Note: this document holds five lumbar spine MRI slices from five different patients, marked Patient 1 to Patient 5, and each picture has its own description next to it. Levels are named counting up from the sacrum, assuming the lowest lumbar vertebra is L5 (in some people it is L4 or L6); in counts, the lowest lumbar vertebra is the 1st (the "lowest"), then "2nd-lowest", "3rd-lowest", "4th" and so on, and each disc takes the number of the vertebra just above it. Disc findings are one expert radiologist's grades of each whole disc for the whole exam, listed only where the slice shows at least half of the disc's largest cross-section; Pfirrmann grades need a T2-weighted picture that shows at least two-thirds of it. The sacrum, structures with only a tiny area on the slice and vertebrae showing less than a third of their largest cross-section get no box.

Patient 1 of 5:
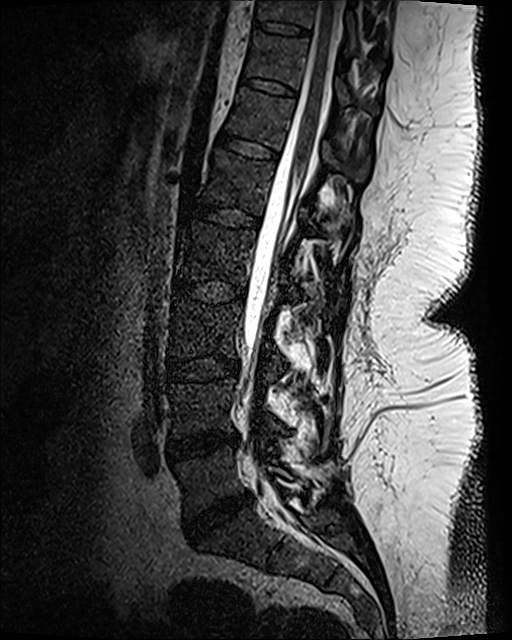

MRI lumbar spine (T2 SPACE (3D)), sagittal plane.
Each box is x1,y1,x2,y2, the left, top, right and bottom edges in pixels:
3rd-lowest disc: 168,356,238,383.
3rd-lowest vertebra: 171,300,282,380.
8th vertebra: 256,0,385,66.
5th vertebra: 201,148,317,233.
2nd-lowest vertebra: 171,379,287,437.
7th vertebra: 246,31,377,114.
5th disc: 179,201,260,229.
Spinal canal: 241,0,342,489.
8th disc: 254,20,311,36.
6th vertebra: 227,88,371,183.
4th disc: 172,278,246,302.
Lowest disc: 184,493,250,538.
Lowest vertebra: 175,449,290,514.
7th disc: 241,77,297,96.
2nd-lowest disc: 166,433,239,460.
6th disc: 215,129,278,160.
4th vertebra: 176,219,298,296.

Radiological gradings:
- lowest disc: Pfirrmann grade 4, disc narrowing, disc bulging
- 6th disc: Pfirrmann grade 1
- 5th disc: Pfirrmann grade 1
- 7th disc: Pfirrmann grade 1
- 3rd-lowest disc: Pfirrmann grade 1
- 2nd-lowest disc: Pfirrmann grade 3, disc bulging, disc narrowing
- 4th disc: Pfirrmann grade 1
- 8th disc: Pfirrmann grade 1

Patient 2 of 5:
MRI lumbar spine (T2-weighted), sagittal plane, Patient sex: M

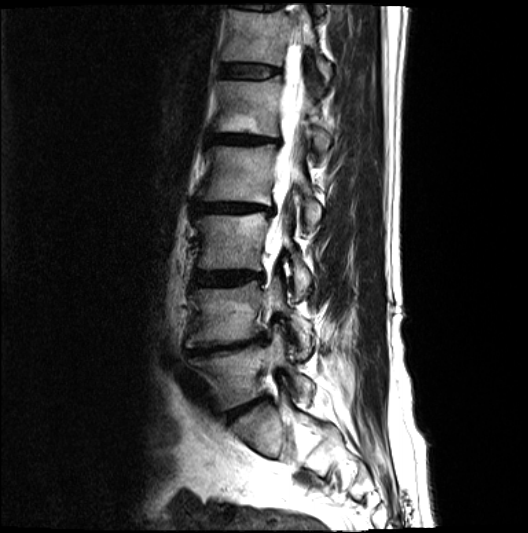

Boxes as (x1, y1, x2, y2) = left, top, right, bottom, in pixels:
Structures:
• 4th vertebra — (198, 145, 321, 231)
• 4th disc — (192, 203, 273, 214)
• lowest disc — (230, 402, 262, 420)
• 5th vertebra — (216, 77, 334, 155)
• 2nd-lowest vertebra — (186, 279, 311, 359)
• 3rd-lowest vertebra — (194, 214, 311, 299)
• 2nd-lowest disc — (191, 334, 263, 355)
• 6th vertebra — (223, 10, 330, 82)
• lowest vertebra — (188, 334, 314, 408)
• 5th disc — (213, 135, 281, 144)
• thecal sac / spinal canal — (272, 43, 301, 248)
• 3rd-lowest disc — (194, 272, 263, 286)
• 6th disc — (221, 65, 279, 78)

Per-level radiological findings:
  3rd-lowest disc: Pfirrmann grade 4, disc narrowing, Modic type II, disc bulging
  2nd-lowest disc: Pfirrmann grade 5, disc bulging, lower-endplate change, upper-endplate change, disc narrowing, Modic type II
  4th disc: Pfirrmann grade 5, Modic type II, upper-endplate change, disc narrowing, lower-endplate change, disc bulging
  5th disc: Pfirrmann grade 5, Modic type II, upper-endplate change, lower-endplate change, disc bulging, disc narrowing
  6th disc: Pfirrmann grade 3

Patient 3 of 5:
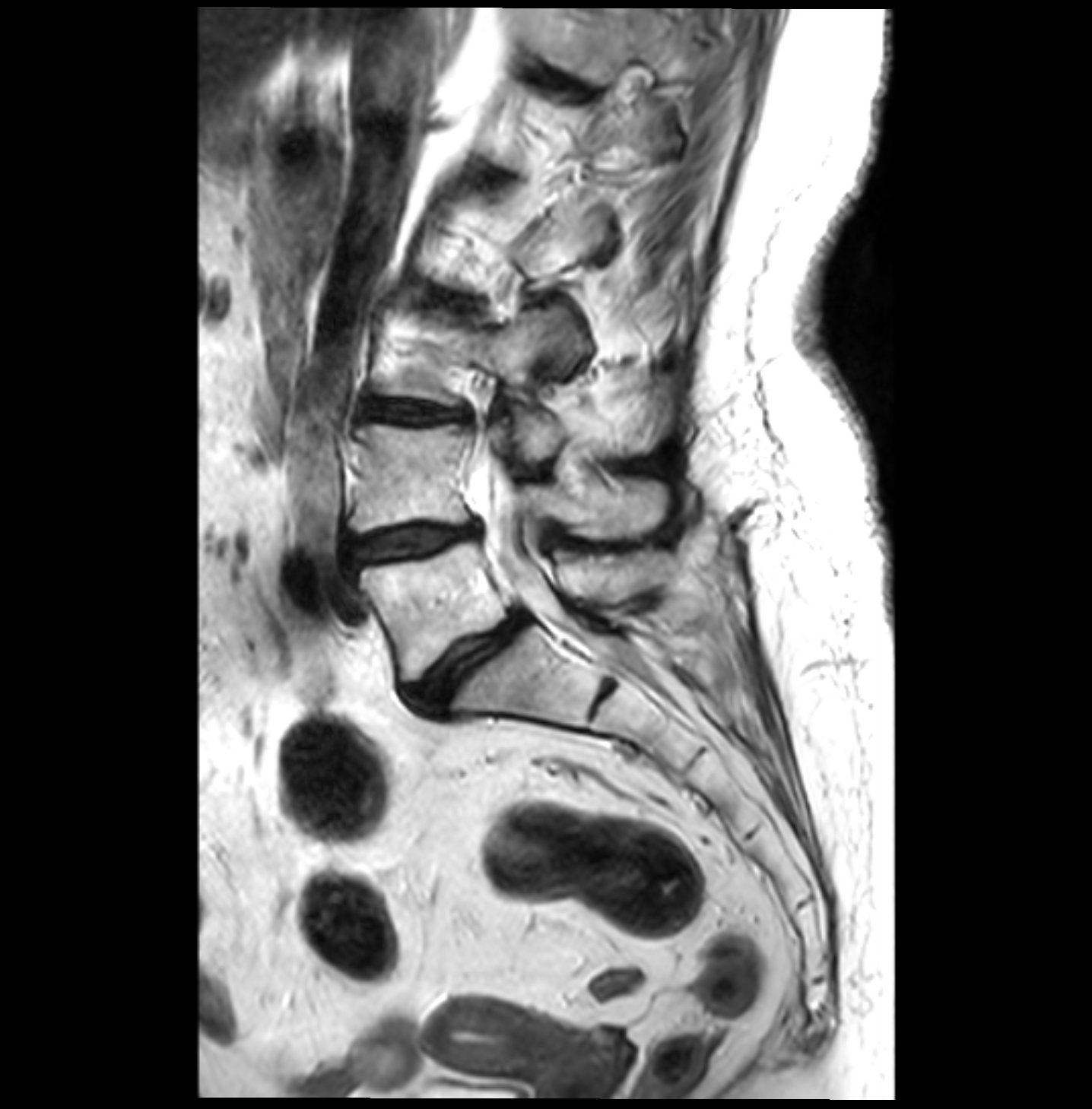
T2-weighted sagittal MRI of the lumbar spine. Slice 18/36. Sex F.

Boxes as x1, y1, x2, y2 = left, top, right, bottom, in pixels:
L5 vertebra: 360, 541, 677, 680
spinal canal: 474, 446, 656, 686
L4/L5: 346, 525, 478, 572
intervertebral disc L5/S1: 411, 611, 528, 712
L4: 352, 423, 671, 538
L3 vertebra: 385, 308, 638, 464
L3/L4: 366, 400, 471, 419

Per-level radiological findings:
- L3/L4: Modic type II, disc bulging, disc narrowing
- L4/L5: Pfirrmann grade 3, disc narrowing, disc bulging, Modic type II
- L5/S1: Pfirrmann grade 4, Modic type II, spondylolisthesis, disc narrowing, disc bulging

Patient 4 of 5:
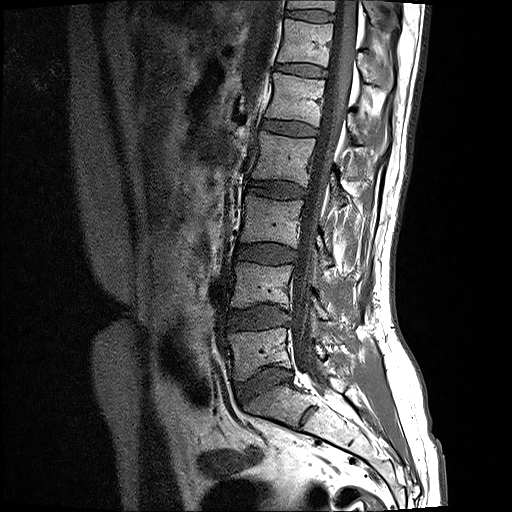 Image 512x512. Slice 9 of 17. T1-weighted sagittal MRI of the lumbar spine.

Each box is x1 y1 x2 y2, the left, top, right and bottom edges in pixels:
Disc T11/T12 (7th disc) at 286 10 334 21.
L4 (2nd-lowest vertebra) at 231 262 357 319.
Disc L2/L3 (4th disc) at 247 181 305 198.
L5 (lowest vertebra) at 227 327 325 380.
T12 (6th vertebra) at 277 19 393 89.
L1/L2 (5th disc) at 262 120 317 136.
Spinal canal at 291 0 359 396.
Disc T12/L1 (6th disc) at 276 64 326 77.
Disc L3/L4 (3rd-lowest disc) at 236 244 296 264.
Disc L4/L5 (2nd-lowest disc) at 227 305 289 329.
Disc L5/S1 (lowest disc) at 234 366 292 403.
T11 (7th vertebra) at 287 0 398 29.
L3 (3rd-lowest vertebra) at 240 192 332 265.
L1 (5th vertebra) at 266 73 387 151.
L2 (4th vertebra) at 252 131 343 206.

Expert MSK radiologist gradings (per disc):
  L4/L5 (2nd-lowest disc): disc bulging
  L5/S1 (lowest disc): disc bulging
  L3/L4 (3rd-lowest disc): disc bulging
  T12/L1 (6th disc), L2/L3 (4th disc), L1/L2 (5th disc), T11/T12 (7th disc): no Modic or endplate change, herniation, narrowing, bulging or spondylolisthesis recorded

Patient 5 of 5:
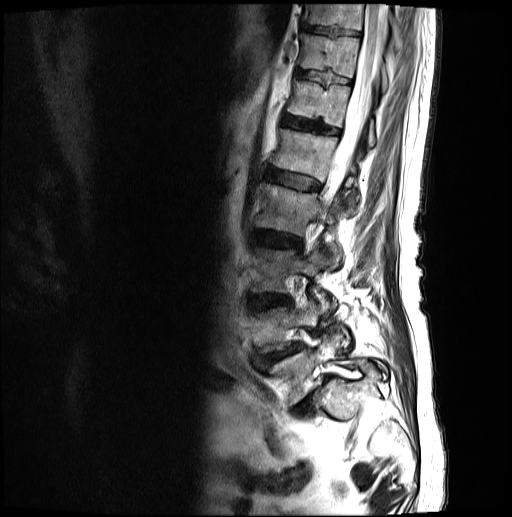 512x517 px. T2-weighted sagittal MRI of the lumbar spine.
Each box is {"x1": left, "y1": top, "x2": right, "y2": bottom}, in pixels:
L4/L5 (2nd-lowest disc) — {"x1": 256, "y1": 344, "x2": 302, "y2": 368}.
T12 (6th vertebra) — {"x1": 287, "y1": 82, "x2": 374, "y2": 146}.
L5 (lowest vertebra) — {"x1": 267, "y1": 335, "x2": 387, "y2": 405}.
L3 (3rd-lowest vertebra) — {"x1": 252, "y1": 247, "x2": 334, "y2": 311}.
T11 (7th vertebra) — {"x1": 299, "y1": 34, "x2": 387, "y2": 90}.
Intervertebral disc L1/L2 (5th disc) — {"x1": 267, "y1": 168, "x2": 319, "y2": 189}.
L4 (2nd-lowest vertebra) — {"x1": 254, "y1": 299, "x2": 321, "y2": 353}.
T10 (8th vertebra) — {"x1": 303, "y1": 4, "x2": 395, "y2": 36}.
L3/L4 (3rd-lowest disc) — {"x1": 247, "y1": 294, "x2": 289, "y2": 310}.
L1 (5th vertebra) — {"x1": 274, "y1": 130, "x2": 359, "y2": 213}.
Intervertebral disc L2/L3 (4th disc) — {"x1": 252, "y1": 230, "x2": 300, "y2": 248}.
L5/S1 (lowest disc) — {"x1": 294, "y1": 385, "x2": 324, "y2": 417}.
L2 (4th vertebra) — {"x1": 256, "y1": 184, "x2": 341, "y2": 266}.
Intervertebral disc T12/L1 (6th disc) — {"x1": 282, "y1": 116, "x2": 338, "y2": 134}.
Thecal sac / spinal canal — {"x1": 332, "y1": 3, "x2": 385, "y2": 187}.
Intervertebral disc T11/T12 (7th disc) — {"x1": 296, "y1": 70, "x2": 350, "y2": 84}.
Intervertebral disc T10/T11 (8th disc) — {"x1": 302, "y1": 25, "x2": 358, "y2": 36}.

Degenerative findings by level:
  L5/S1 (lowest disc): disc narrowing, Modic type II, disc herniation, spondylolisthesis
  T12/L1 (6th disc): Pfirrmann grade 3
  L2/L3 (4th disc): Pfirrmann grade 3, disc bulging
  T11/T12 (7th disc): Pfirrmann grade 3
  L1/L2 (5th disc): Pfirrmann grade 3
  T10/T11 (8th disc): Pfirrmann grade 3
  L3/L4 (3rd-lowest disc): disc bulging, lower-endplate change, upper-endplate change